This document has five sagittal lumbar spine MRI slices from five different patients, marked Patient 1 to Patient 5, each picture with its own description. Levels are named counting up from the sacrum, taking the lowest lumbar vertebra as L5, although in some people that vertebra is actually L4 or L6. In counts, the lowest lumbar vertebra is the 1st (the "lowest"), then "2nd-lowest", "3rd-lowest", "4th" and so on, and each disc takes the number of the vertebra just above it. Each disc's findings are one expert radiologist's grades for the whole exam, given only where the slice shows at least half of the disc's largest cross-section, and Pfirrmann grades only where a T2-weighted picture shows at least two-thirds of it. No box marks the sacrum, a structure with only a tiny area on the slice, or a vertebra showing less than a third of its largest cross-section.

Patient 1 of 5:
Slice 18 of 25, Field of view 280x281 mm, Patient sex: M, Sagittal T2-weighted lumbar spine MRI
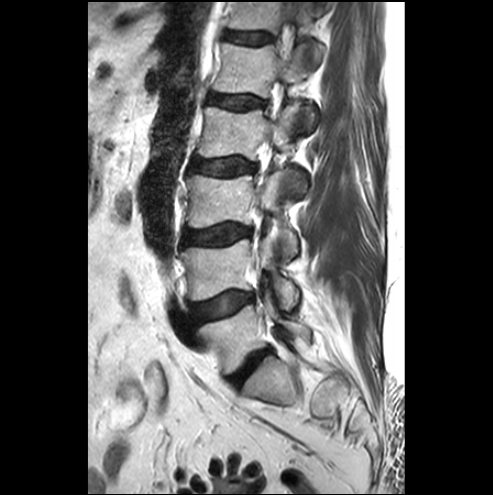

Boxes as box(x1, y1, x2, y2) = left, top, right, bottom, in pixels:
L1 at box(213, 43, 318, 133); intervertebral disc T12/L1 at box(224, 32, 273, 44); T12 at box(228, 2, 322, 60); intervertebral disc L1/L2 at box(209, 94, 263, 109); intervertebral disc L4/L5 at box(192, 292, 253, 320); L3/L4 at box(184, 226, 251, 244); L2 at box(198, 105, 305, 192); L4 vertebra at box(181, 237, 299, 309); L3 at box(187, 171, 297, 257); L2/L3 at box(190, 159, 255, 175); L5 vertebra at box(199, 294, 309, 373); intervertebral disc L5/S1 at box(230, 351, 267, 386).

Radiological gradings:
• T12/L1: Pfirrmann grade 1
• L3/L4: Pfirrmann grade 3, disc bulging
• L4/L5: Pfirrmann grade 1, disc bulging, Modic type III
• L2/L3: Pfirrmann grade 1
• L1/L2: Pfirrmann grade 1

Patient 2 of 5:
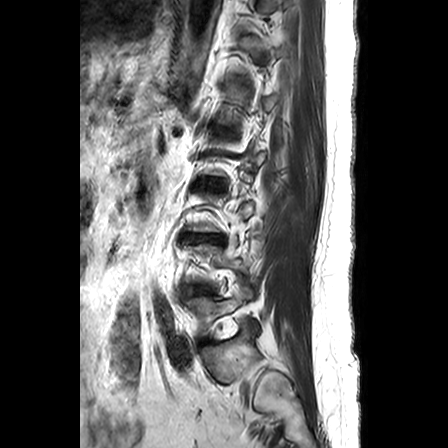 Slice 20 of 24; T2-weighted sagittal MRI of the lumbar spine; Field of view 280x280 mm
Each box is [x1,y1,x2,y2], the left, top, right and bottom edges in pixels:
L5 vertebra — [185,284,252,335].
IVD L3/L4 — [189,235,221,242].

Patient 3 of 5:
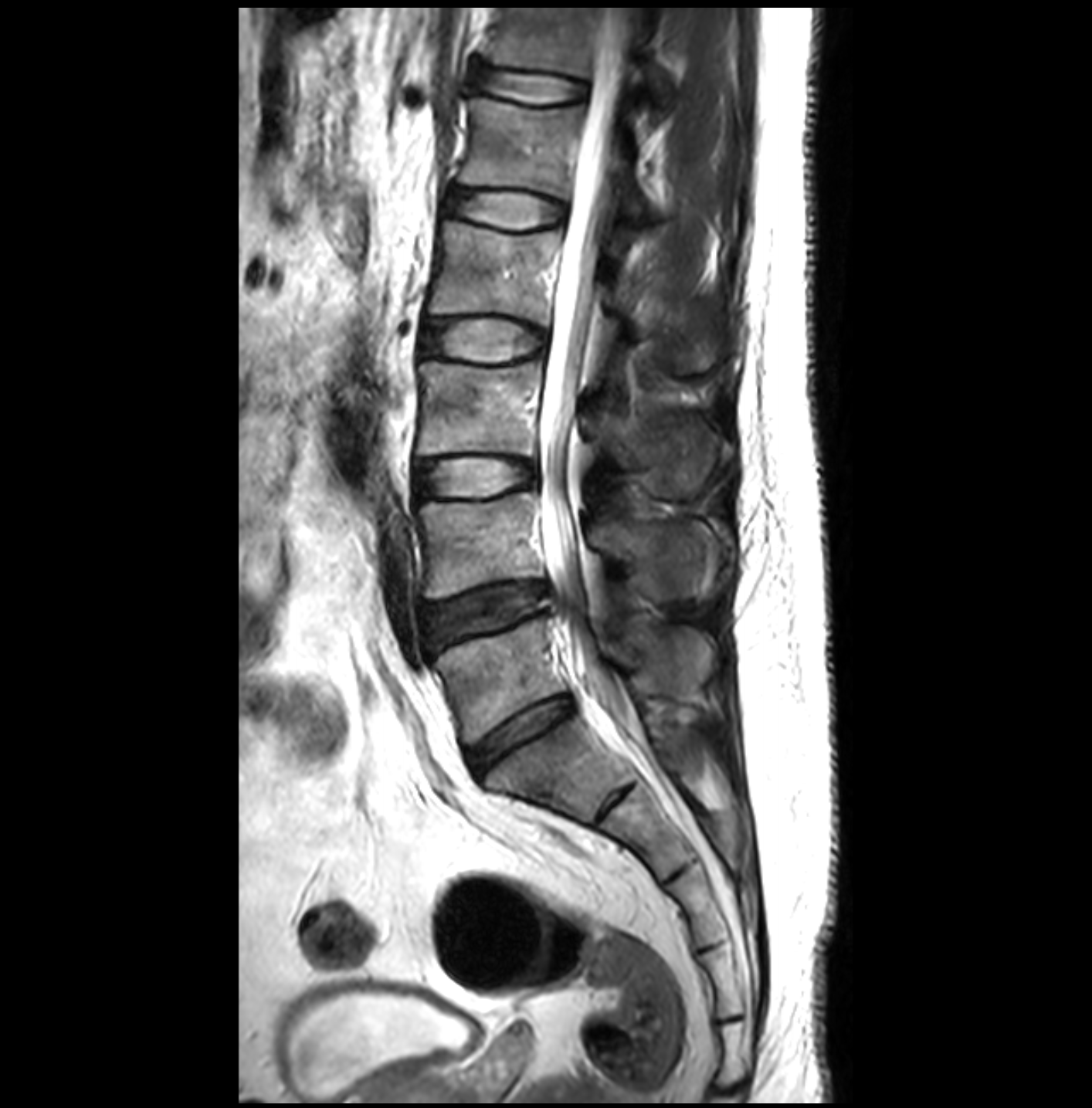
Sex M | Lumbar spine MR, T2-weighted, sagittal
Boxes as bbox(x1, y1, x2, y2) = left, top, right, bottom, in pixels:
IVD L2/L3 = bbox(422, 322, 544, 359).
T12/L1 = bbox(473, 67, 588, 102).
L5/S1 = bbox(467, 695, 572, 774).
L4 vertebra = bbox(416, 492, 709, 602).
L3 vertebra = bbox(416, 361, 714, 502).
IVD L3/L4 = bbox(413, 459, 538, 496).
T12 = bbox(488, 8, 670, 102).
L5 = bbox(433, 617, 709, 745).
L2 = bbox(428, 221, 716, 373).
Spinal canal = bbox(539, 25, 626, 716).
IVD L1/L2 = bbox(447, 191, 565, 227).
L4/L5 = bbox(423, 582, 550, 649).
L1 vertebra = bbox(459, 98, 640, 217).

Radiological gradings:
  L4/L5: Pfirrmann grade 3, disc herniation
  L5/S1: Pfirrmann grade 3
  T12/L1: Pfirrmann grade 1
  L3/L4: Pfirrmann grade 1
  L2/L3: Pfirrmann grade 1
  L1/L2: Pfirrmann grade 1

Patient 4 of 5:
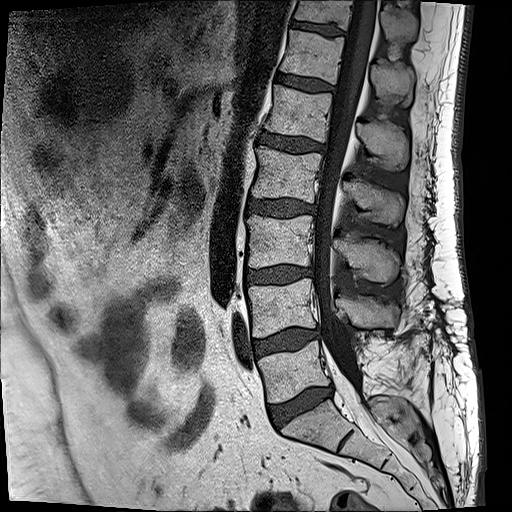

Slice 9 of 17, 512x512 px, MRI lumbar spine (T1-weighted), sagittal plane
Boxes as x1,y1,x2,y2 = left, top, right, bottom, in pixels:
- L1 = 265,85,407,170
- T12 = 280,31,413,104
- intervertebral disc T12/L1 = 276,75,333,90
- L5/S1 = 269,389,332,426
- L4 vertebra = 248,280,400,337
- L2 vertebra = 252,146,404,226
- T11 vertebra = 293,0,418,40
- L3 = 246,215,400,282
- L5 vertebra = 258,339,397,402
- T11/T12 = 290,20,343,36
- intervertebral disc L2/L3 = 246,198,313,216
- intervertebral disc L4/L5 = 254,327,319,355
- thecal sac / spinal canal = 314,0,378,408
- L3/L4 = 246,266,307,283
- L1/L2 = 258,129,321,152

Degenerative findings by level:
- L4/L5: disc bulging, Modic type II
- L3/L4: Modic type II, disc bulging
- L2/L3: disc bulging
- L1/L2: disc bulging
- L5/S1: disc bulging, disc narrowing, Modic type II
- T12/L1, T11/T12: no Modic or endplate change, herniation, narrowing, bulging or spondylolisthesis recorded

Patient 5 of 5:
Patient sex: F; Slice spacing 3.3 mm; Sagittal T1-weighted lumbar spine MRI; Scanner: Philips Healthcare Ingenia (3T); Image 448x455
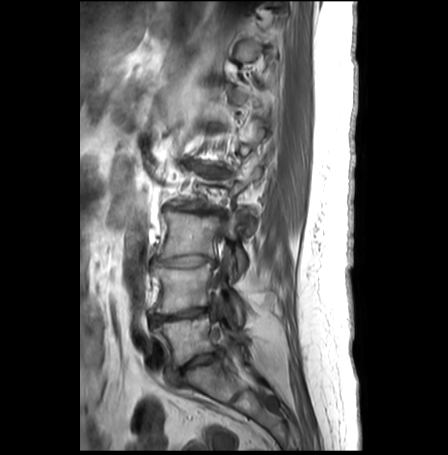 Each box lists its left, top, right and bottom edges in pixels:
Annotations:
* L5 vertebra: left=151, top=313, right=249, bottom=368
* L2/L3: left=162, top=205, right=223, bottom=214
* L5/S1: left=168, top=349, right=222, bottom=384
* intervertebral disc L4/L5: left=149, top=305, right=214, bottom=325
* L4: left=149, top=263, right=244, bottom=324
* L3: left=156, top=210, right=247, bottom=270
* intervertebral disc L1/L2: left=188, top=161, right=228, bottom=175
* spinal canal: left=214, top=276, right=220, bottom=288
* intervertebral disc L3/L4: left=152, top=255, right=214, bottom=266

Per-level radiological findings:
- L4/L5: upper-endplate change, disc bulging, Modic type II, disc narrowing, disc herniation, lower-endplate change
- L5/S1: disc narrowing, disc bulging, upper-endplate change, lower-endplate change, Modic type II
- L1/L2: disc bulging, upper-endplate change, lower-endplate change, Modic type II, disc narrowing
- L3/L4: upper-endplate change, Modic type II, lower-endplate change, disc narrowing, disc bulging